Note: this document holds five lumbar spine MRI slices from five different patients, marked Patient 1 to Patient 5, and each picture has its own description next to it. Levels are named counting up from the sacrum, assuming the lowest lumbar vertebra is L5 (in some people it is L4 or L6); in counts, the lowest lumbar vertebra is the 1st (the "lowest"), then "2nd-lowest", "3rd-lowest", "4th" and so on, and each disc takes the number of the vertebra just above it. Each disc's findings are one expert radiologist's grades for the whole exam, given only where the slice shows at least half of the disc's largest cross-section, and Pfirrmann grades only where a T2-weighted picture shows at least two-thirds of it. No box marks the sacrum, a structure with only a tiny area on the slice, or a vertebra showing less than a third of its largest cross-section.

Patient 1 of 5:
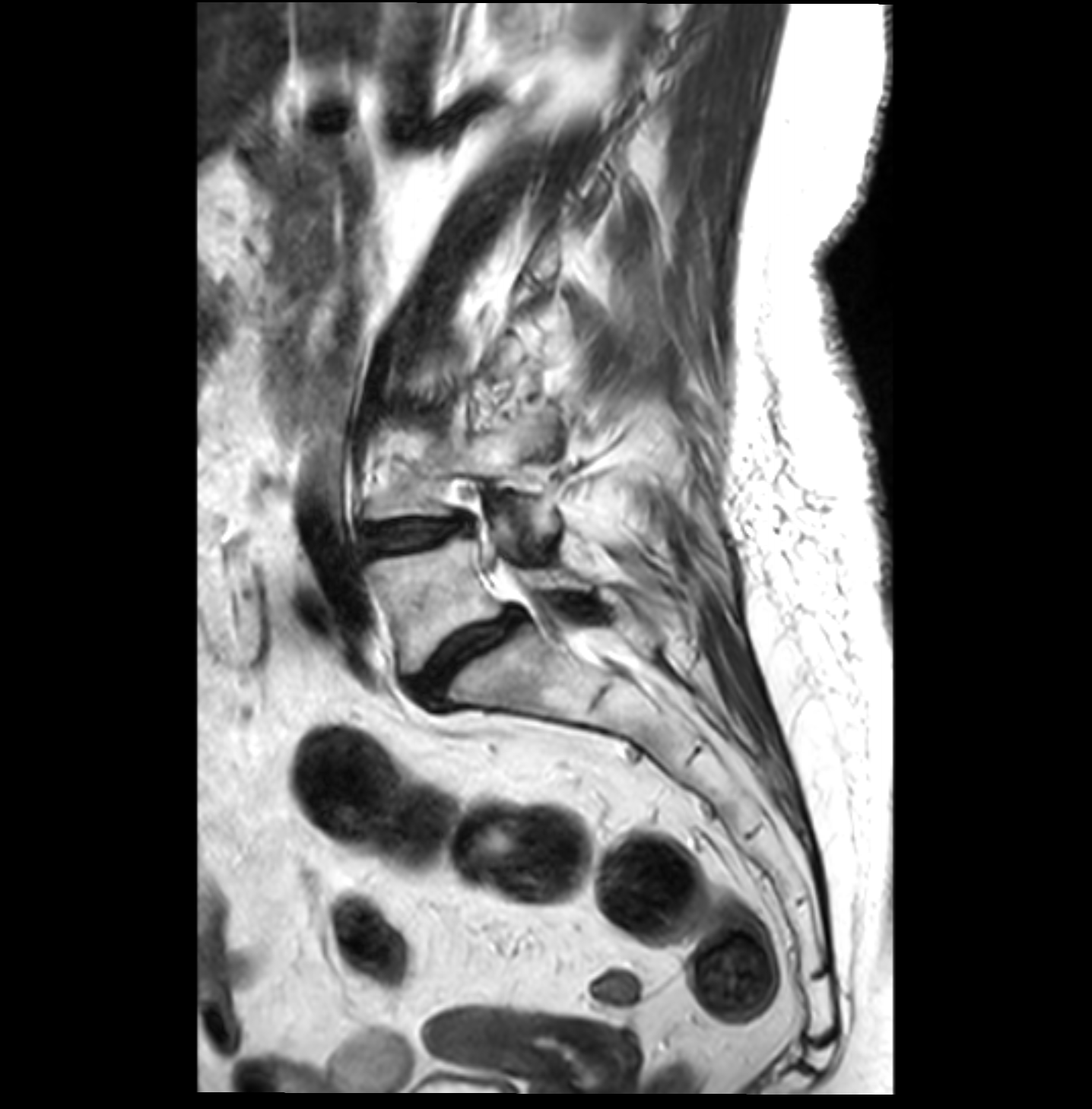 Slice 15 of 36, MRI lumbar spine (T2-weighted), sagittal plane
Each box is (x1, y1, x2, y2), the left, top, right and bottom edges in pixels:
2nd-lowest vertebra at (366, 404, 559, 543) | 2nd-lowest disc at (362, 518, 465, 553) | lowest vertebra at (368, 502, 589, 670) | lowest disc at (413, 609, 522, 699)

Degenerative findings by level:
• 2nd-lowest disc: Pfirrmann grade 3, Modic type II, disc narrowing, disc bulging
• lowest disc: Pfirrmann grade 4, disc bulging, Modic type II, spondylolisthesis, disc narrowing

Patient 2 of 5:
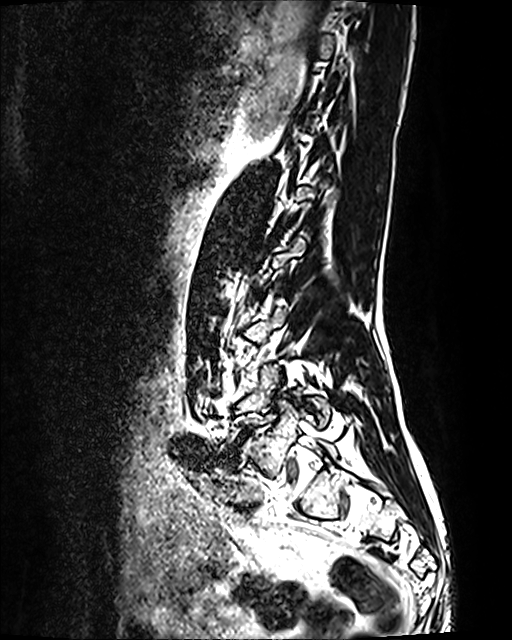 Image 512x640, Patient sex: F, Slice 86 of 120, MRI lumbar spine (T2 SPACE (3D)), sagittal plane
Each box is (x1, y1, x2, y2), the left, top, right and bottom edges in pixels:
Disc L5/S1 at (220, 426, 253, 465).
L5 at (215, 365, 331, 452).

Patient 3 of 5:
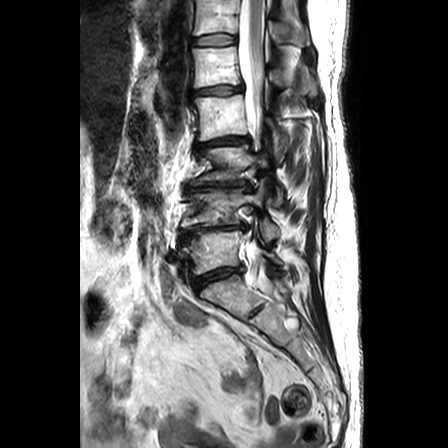 448x448 px | Slice 15 of 24 | T2-weighted sagittal MRI of the lumbar spine | Field of view 280x280 mm

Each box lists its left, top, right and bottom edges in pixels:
Lowest disc at left=191, top=266, right=244, bottom=291.
6th disc at left=192, top=34, right=237, bottom=44.
6th vertebra at left=194, top=0, right=303, bottom=46.
4th disc at left=196, top=135, right=250, bottom=151.
Lowest vertebra at left=180, top=229, right=283, bottom=275.
4th vertebra at left=190, top=94, right=288, bottom=163.
5th disc at left=192, top=85, right=242, bottom=93.
2nd-lowest vertebra at left=180, top=178, right=279, bottom=240.
3rd-lowest vertebra at left=193, top=146, right=283, bottom=206.
Spinal canal at left=239, top=0, right=275, bottom=294.
5th vertebra at left=192, top=46, right=283, bottom=87.
2nd-lowest disc at left=180, top=223, right=245, bottom=242.
3rd-lowest disc at left=186, top=180, right=251, bottom=191.

Radiological gradings:
- 3rd-lowest disc: Pfirrmann grade 5, disc narrowing, Modic type II, lower-endplate change, upper-endplate change, disc bulging
- 5th disc: Pfirrmann grade 2, disc bulging
- lowest disc: Pfirrmann grade 3, upper-endplate change, disc bulging, lower-endplate change, disc narrowing
- 6th disc: Pfirrmann grade 1
- 4th disc: Pfirrmann grade 3, upper-endplate change, disc bulging, disc narrowing, lower-endplate change
- 2nd-lowest disc: disc bulging, upper-endplate change, Modic type II, disc narrowing, lower-endplate change

Patient 4 of 5:
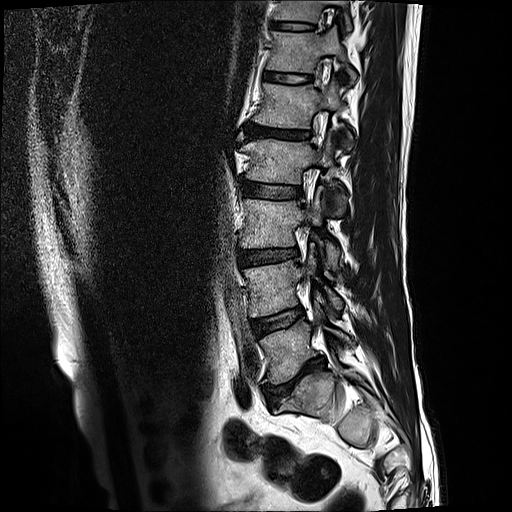
MRI lumbar spine (T2-weighted), sagittal plane, Field of view 300x300 mm, Slice 14 of 17, Sex M
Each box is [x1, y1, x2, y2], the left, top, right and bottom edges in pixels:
T11: [276, 0, 349, 24] | L4/L5: [250, 306, 304, 333] | T12/L1: [265, 70, 312, 83] | disc L5/S1: [263, 354, 326, 403] | disc L1/L2: [246, 122, 309, 141] | L4 vertebra: [243, 250, 341, 317] | T11/T12: [271, 22, 314, 29] | L3/L4: [238, 246, 299, 265] | L1: [254, 78, 341, 128] | L3: [241, 190, 339, 269] | T12 vertebra: [266, 26, 356, 80] | L5 vertebra: [260, 304, 354, 383] | L2 vertebra: [242, 131, 333, 183] | disc L2/L3: [240, 179, 302, 198]

Radiological gradings:
• L1/L2: Pfirrmann grade 5, disc narrowing, Modic type II, lower-endplate change, disc bulging, upper-endplate change
• L4/L5: Modic type II
• T11/T12: Pfirrmann grade 3, lower-endplate change, upper-endplate change
• T12/L1: Pfirrmann grade 3
• L2/L3: Pfirrmann grade 3
• L3/L4: Pfirrmann grade 3, disc bulging, lower-endplate change, upper-endplate change
• L5/S1: Pfirrmann grade 5, disc narrowing, upper-endplate change, disc bulging, lower-endplate change, Modic type II

Patient 5 of 5:
Patient sex: M, 512x521 px, Sagittal T2-weighted lumbar spine MRI
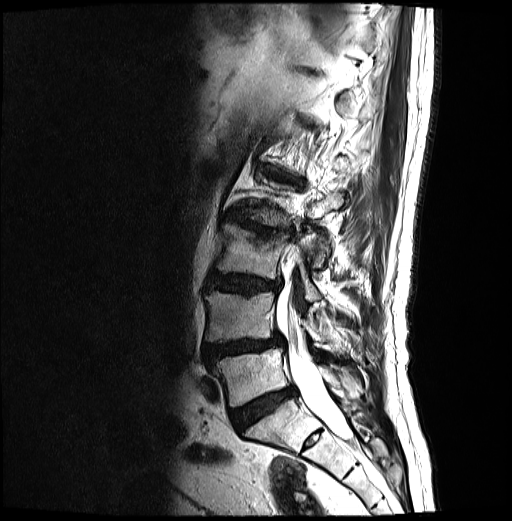
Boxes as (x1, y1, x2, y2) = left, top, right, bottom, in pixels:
L5 vertebra at (213, 348, 362, 406), L2 vertebra at (239, 177, 343, 267), L2/L3 at (227, 213, 293, 237), L3 at (214, 224, 319, 301), intervertebral disc L4/L5 at (204, 335, 283, 364), spinal canal at (275, 256, 350, 440), L3/L4 at (207, 274, 280, 294), L4 vertebra at (205, 291, 345, 352), L5/S1 at (230, 388, 292, 431), intervertebral disc L1/L2 at (263, 167, 302, 185).

Per-level radiological findings:
• L2/L3: upper-endplate change, disc narrowing, lower-endplate change, disc bulging, Modic type I
• L3/L4: Pfirrmann grade 4, disc bulging, upper-endplate change, lower-endplate change
• L4/L5: Pfirrmann grade 4, disc narrowing, disc herniation, disc bulging, upper-endplate change, Modic type II, spondylolisthesis, lower-endplate change
• L5/S1: Pfirrmann grade 4